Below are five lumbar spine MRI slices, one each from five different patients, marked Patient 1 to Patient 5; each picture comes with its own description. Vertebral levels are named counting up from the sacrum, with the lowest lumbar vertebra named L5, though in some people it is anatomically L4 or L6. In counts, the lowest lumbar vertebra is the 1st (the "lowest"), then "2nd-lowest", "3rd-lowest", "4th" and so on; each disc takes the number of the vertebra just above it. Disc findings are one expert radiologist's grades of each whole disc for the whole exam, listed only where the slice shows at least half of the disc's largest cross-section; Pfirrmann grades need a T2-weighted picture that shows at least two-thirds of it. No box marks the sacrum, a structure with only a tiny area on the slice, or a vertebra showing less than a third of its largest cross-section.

Patient 1 of 5:
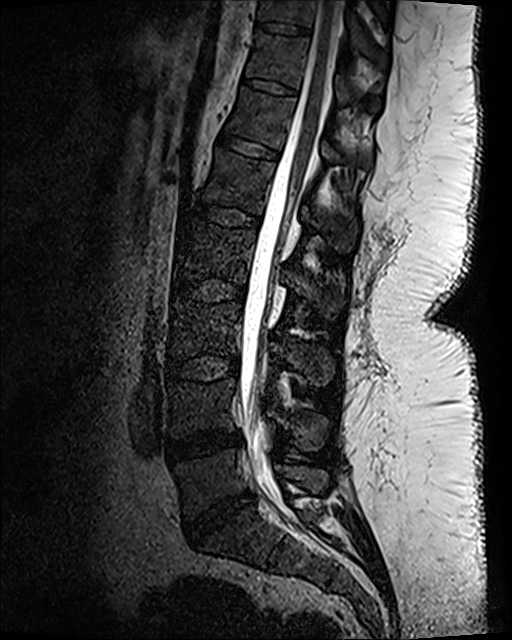 Image 512x640. Lumbar spine MR, T2 SPACE (3D), sagittal.

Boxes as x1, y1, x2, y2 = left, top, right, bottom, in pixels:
Annotations:
- 4th disc at 169, 278, 246, 302
- 5th disc at 181, 204, 258, 228
- 4th vertebra at 175, 220, 343, 319
- 3rd-lowest disc at 165, 355, 238, 381
- 8th disc at 256, 22, 311, 36
- 8th vertebra at 258, 0, 387, 67
- 3rd-lowest vertebra at 169, 300, 334, 386
- 2nd-lowest vertebra at 169, 379, 327, 449
- lowest disc at 185, 493, 253, 538
- 6th disc at 217, 130, 277, 159
- 2nd-lowest disc at 166, 430, 240, 462
- thecal sac / spinal canal at 239, 1, 340, 497
- 7th disc at 243, 77, 298, 96
- 7th vertebra at 246, 31, 380, 112
- 5th vertebra at 203, 149, 357, 251
- 6th vertebra at 227, 87, 371, 169
- lowest vertebra at 174, 450, 326, 518

Per-level radiological findings:
  6th disc: Pfirrmann grade 1
  2nd-lowest disc: Pfirrmann grade 3, disc bulging, disc narrowing
  5th disc: Pfirrmann grade 1
  7th disc: Pfirrmann grade 1
  3rd-lowest disc: Pfirrmann grade 1
  8th disc: Pfirrmann grade 1
  4th disc: Pfirrmann grade 1
  lowest disc: Pfirrmann grade 4, disc narrowing, disc bulging

Patient 2 of 5:
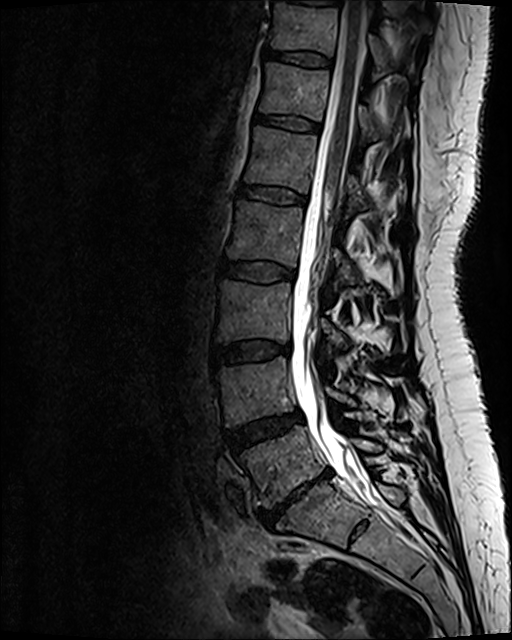
Slice 56 of 120. Image 512x640. Lumbar spine MR, T2 SPACE (3D), sagittal. Field of view 240x300 mm, slice spacing 0.9 mm.

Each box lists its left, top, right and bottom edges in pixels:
6th vertebra: left=260, top=63, right=379, bottom=139.
7th vertebra: left=272, top=3, right=387, bottom=73.
5th vertebra: left=245, top=127, right=366, bottom=213.
5th disc: left=239, top=185, right=306, bottom=204.
Thecal sac / spinal canal: left=290, top=1, right=377, bottom=503.
4th disc: left=221, top=260, right=294, bottom=282.
2nd-lowest vertebra: left=217, top=357, right=354, bottom=425.
Lowest vertebra: left=239, top=425, right=380, bottom=507.
2nd-lowest disc: left=227, top=410, right=301, bottom=451.
Lowest disc: left=257, top=470, right=330, bottom=526.
6th disc: left=257, top=114, right=319, bottom=131.
3rd-lowest disc: left=213, top=341, right=289, bottom=365.
7th disc: left=266, top=50, right=330, bottom=65.
3rd-lowest vertebra: left=217, top=281, right=345, bottom=351.
4th vertebra: left=227, top=202, right=355, bottom=286.

Expert MSK radiologist gradings (per disc):
• 6th disc: Pfirrmann grade 2
• lowest disc: Pfirrmann grade 5, disc herniation, Modic type III, disc bulging, upper-endplate change, lower-endplate change, disc narrowing
• 2nd-lowest disc: Pfirrmann grade 3, disc bulging
• 4th disc: Pfirrmann grade 2
• 3rd-lowest disc: Pfirrmann grade 2, disc bulging
• 5th disc: Pfirrmann grade 2
• 7th disc: Pfirrmann grade 2

Patient 3 of 5:
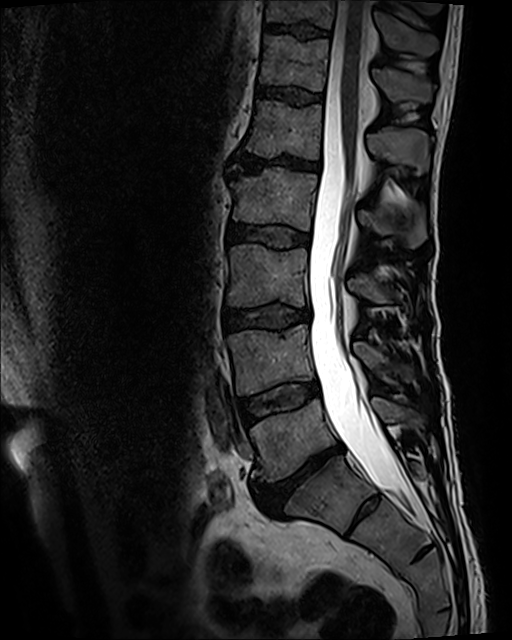
MRI lumbar spine (T2 SPACE (3D)), sagittal plane, Image 512x640

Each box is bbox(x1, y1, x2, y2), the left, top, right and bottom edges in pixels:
6th vertebra: bbox(259, 35, 431, 103).
2nd-lowest vertebra: bbox(228, 325, 413, 395).
Lowest vertebra: bbox(250, 397, 423, 481).
3rd-lowest vertebra: bbox(227, 244, 392, 306).
5th vertebra: bbox(245, 101, 428, 173).
Spinal canal: bbox(309, 0, 412, 508).
4th disc: bbox(227, 223, 310, 247).
7th vertebra: bbox(267, 0, 438, 55).
4th vertebra: bbox(231, 167, 425, 247).
5th disc: bbox(231, 153, 319, 176).
Lowest disc: bbox(255, 444, 343, 510).
3rd-lowest disc: bbox(222, 305, 310, 330).
2nd-lowest disc: bbox(241, 382, 318, 423).
7th disc: bbox(265, 23, 328, 37).
6th disc: bbox(257, 85, 320, 104).

Expert MSK radiologist gradings (per disc):
- 4th disc: Pfirrmann grade 3
- 2nd-lowest disc: Pfirrmann grade 3, Modic type II
- lowest disc: Pfirrmann grade 5, disc bulging, lower-endplate change, disc narrowing, upper-endplate change, Modic type II
- 6th disc: Pfirrmann grade 3
- 3rd-lowest disc: Pfirrmann grade 3, lower-endplate change, disc bulging, upper-endplate change
- 7th disc: Pfirrmann grade 3, lower-endplate change, upper-endplate change
- 5th disc: Pfirrmann grade 5, disc narrowing, lower-endplate change, disc bulging, upper-endplate change, Modic type II

Patient 4 of 5:
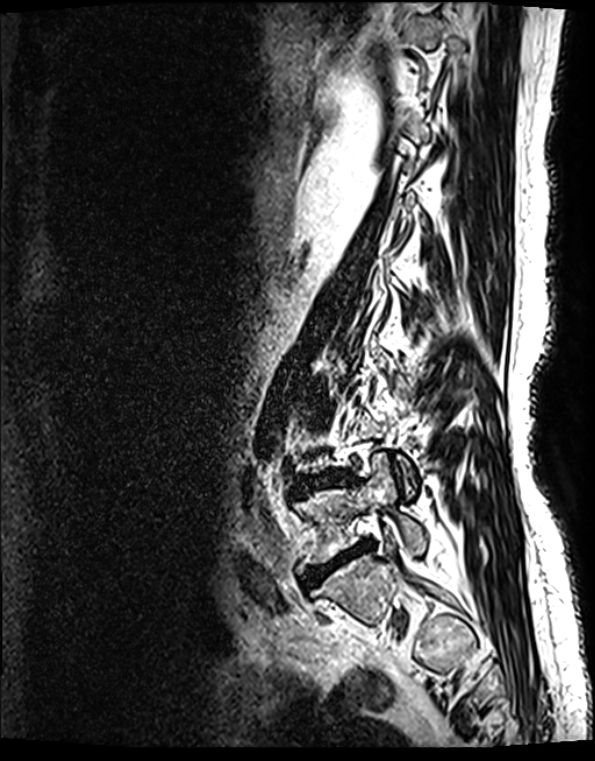

MRI lumbar spine (T2 SPACE (3D)), sagittal plane.
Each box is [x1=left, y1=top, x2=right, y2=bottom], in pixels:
Lowest disc at [x1=303, y1=541, x2=370, y2=586], 2nd-lowest disc at [x1=302, y1=474, x2=345, y2=490], lowest vertebra at [x1=294, y1=453, x2=426, y2=564].

Degenerative findings by level:
- lowest disc: lower-endplate change, Modic type II, disc bulging, upper-endplate change, disc narrowing

Patient 5 of 5:
512x652 px | MRI lumbar spine (T2 SPACE (3D)), sagittal plane | Sagittal slice index 93 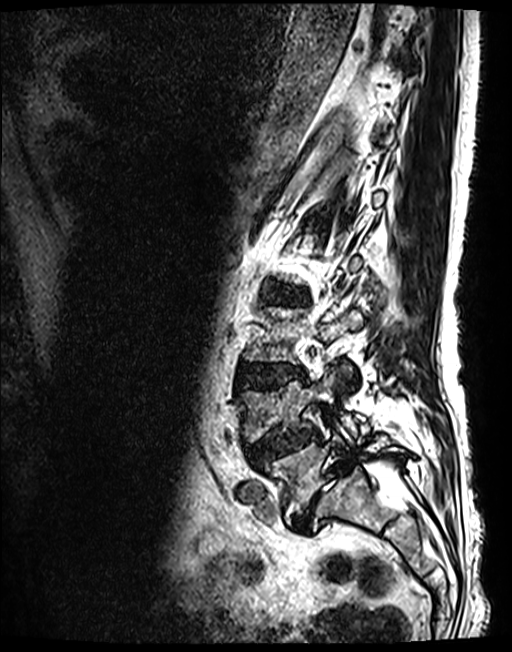 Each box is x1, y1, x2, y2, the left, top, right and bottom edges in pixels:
Disc L5/S1 (lowest disc) — 292, 465, 350, 533.
L2/L3 (4th disc) — 267, 288, 306, 303.
Disc L4/L5 (2nd-lowest disc) — 247, 429, 317, 464.
L4 (2nd-lowest vertebra) — 238, 368, 369, 441.
L3/L4 (3rd-lowest disc) — 238, 364, 303, 388.
L3 (3rd-lowest vertebra) — 245, 308, 363, 362.
L5 (lowest vertebra) — 264, 432, 406, 522.

Expert MSK radiologist gradings (per disc):
  L5/S1 (lowest disc): Pfirrmann grade 5, disc narrowing, disc herniation, spondylolisthesis, Modic type II
  L3/L4 (3rd-lowest disc): Pfirrmann grade 3, upper-endplate change, lower-endplate change, disc bulging
  L4/L5 (2nd-lowest disc): Pfirrmann grade 3, disc narrowing, upper-endplate change, spondylolisthesis, lower-endplate change, disc herniation